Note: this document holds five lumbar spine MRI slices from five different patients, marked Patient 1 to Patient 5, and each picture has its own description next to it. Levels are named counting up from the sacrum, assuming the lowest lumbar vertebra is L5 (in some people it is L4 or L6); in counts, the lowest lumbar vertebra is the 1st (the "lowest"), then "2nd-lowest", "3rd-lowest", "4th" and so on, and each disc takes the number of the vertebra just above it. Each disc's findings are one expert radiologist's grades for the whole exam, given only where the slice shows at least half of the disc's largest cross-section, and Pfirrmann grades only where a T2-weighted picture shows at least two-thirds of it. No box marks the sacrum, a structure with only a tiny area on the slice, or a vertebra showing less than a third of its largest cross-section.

Patient 1 of 5:
Slice 30 of 36. Lumbar spine MR, T1-weighted, sagittal.
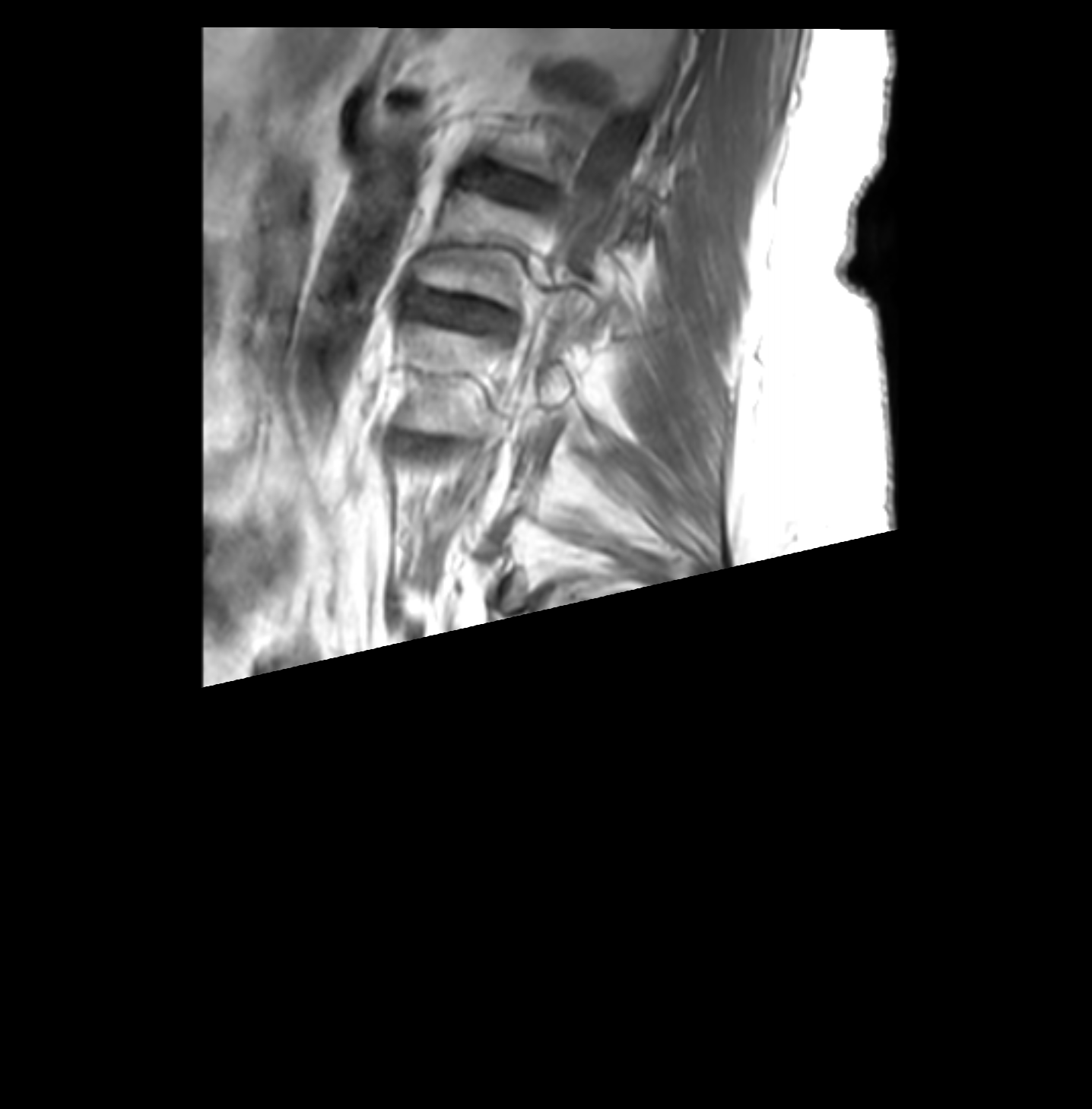 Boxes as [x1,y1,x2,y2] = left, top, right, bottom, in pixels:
3rd-lowest vertebra at [403,319,571,434], 4th disc at [409,290,497,328], 4th vertebra at [417,191,534,304], 5th disc at [478,170,528,197].

Expert MSK radiologist gradings (per disc):
• 4th disc: disc bulging, Modic type II

Patient 2 of 5:
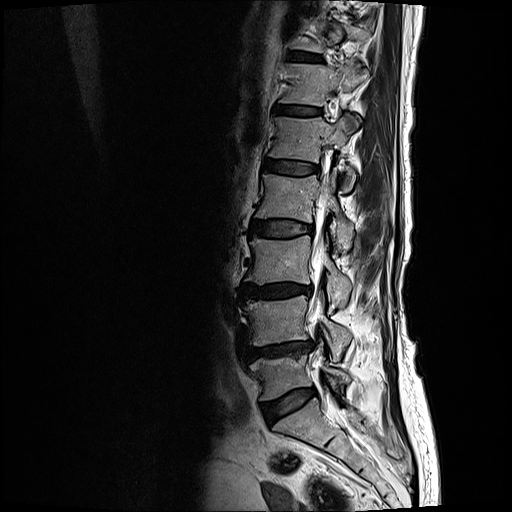
Sex F; Image 512x512; Field of view 300x300 mm, slice spacing 3.3 mm; Slice 6/17; Lumbar spine MR, T2-weighted, sagittal
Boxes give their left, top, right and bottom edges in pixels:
L4/L5: left=244, top=341, right=314, bottom=360
IVD L3/L4: left=240, top=282, right=313, bottom=298
L5: left=249, top=354, right=351, bottom=400
L1: left=268, top=116, right=356, bottom=192
IVD T12/L1: left=277, top=106, right=320, bottom=116
IVD T11/T12: left=291, top=54, right=322, bottom=61
L2: left=255, top=170, right=354, bottom=249
L5/S1: left=260, top=389, right=315, bottom=421
L3: left=245, top=235, right=353, bottom=303
IVD L2/L3: left=253, top=219, right=313, bottom=237
L1/L2: left=264, top=160, right=318, bottom=174
T12 vertebra: left=279, top=62, right=368, bottom=105
L4 vertebra: left=240, top=295, right=351, bottom=360
thecal sac / spinal canal: left=308, top=178, right=338, bottom=409

Per-level radiological findings:
• L3/L4: Pfirrmann grade 4, disc bulging, disc narrowing, lower-endplate change, upper-endplate change, Modic type II
• L5/S1: Pfirrmann grade 2, disc bulging
• L2/L3: Pfirrmann grade 3, Modic type II, disc bulging, upper-endplate change, lower-endplate change
• L4/L5: Pfirrmann grade 4, upper-endplate change, disc bulging, Modic type II, disc narrowing, lower-endplate change
• T12/L1: Pfirrmann grade 2, lower-endplate change, Modic type II, upper-endplate change
• L1/L2: Pfirrmann grade 3, lower-endplate change, Modic type II, upper-endplate change

Patient 3 of 5:
Lumbar spine MR, T2-weighted, sagittal
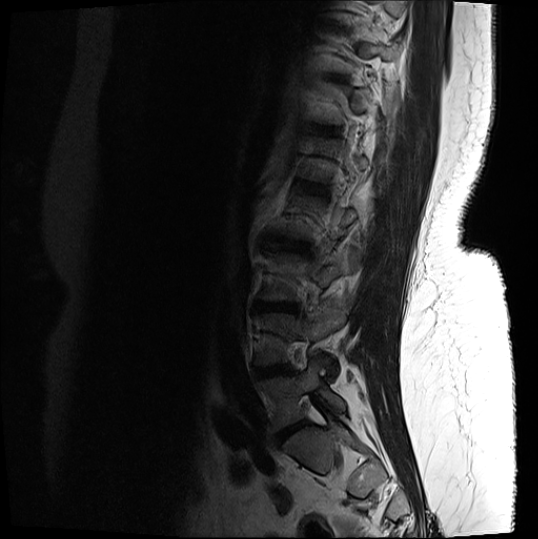

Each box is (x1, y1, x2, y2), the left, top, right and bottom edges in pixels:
4th disc at (284, 240, 307, 251), lowest disc at (277, 422, 305, 442), 2nd-lowest disc at (257, 365, 291, 377), lowest vertebra at (258, 355, 345, 430), 3rd-lowest disc at (262, 303, 297, 311), 2nd-lowest vertebra at (257, 308, 347, 365).

Patient 4 of 5:
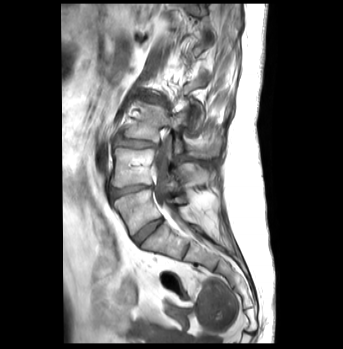

343x349 px, Patient sex: F, MRI lumbar spine (T1-weighted), sagittal plane, Slice spacing 3.2 mm
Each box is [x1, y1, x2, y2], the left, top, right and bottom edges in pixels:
L5/S1 at [133, 218, 163, 243].
L5 vertebra at [113, 190, 185, 235].
Spinal canal at [154, 138, 185, 227].
L3 at [123, 105, 221, 157].
L4 at [111, 148, 210, 187].
Disc L4/L5 at [109, 185, 151, 200].
Disc L2/L3 at [135, 94, 168, 106].
Disc L3/L4 at [114, 133, 156, 148].

Per-level radiological findings:
  L2/L3: Modic type II, disc bulging, disc narrowing, lower-endplate change
  L4/L5: lower-endplate change, disc bulging, disc narrowing, Modic type II
  L3/L4: Modic type II, disc bulging
  L5/S1: no herniation, bulging, narrowing, spondylolisthesis, endplate or Modic change recorded

Patient 5 of 5:
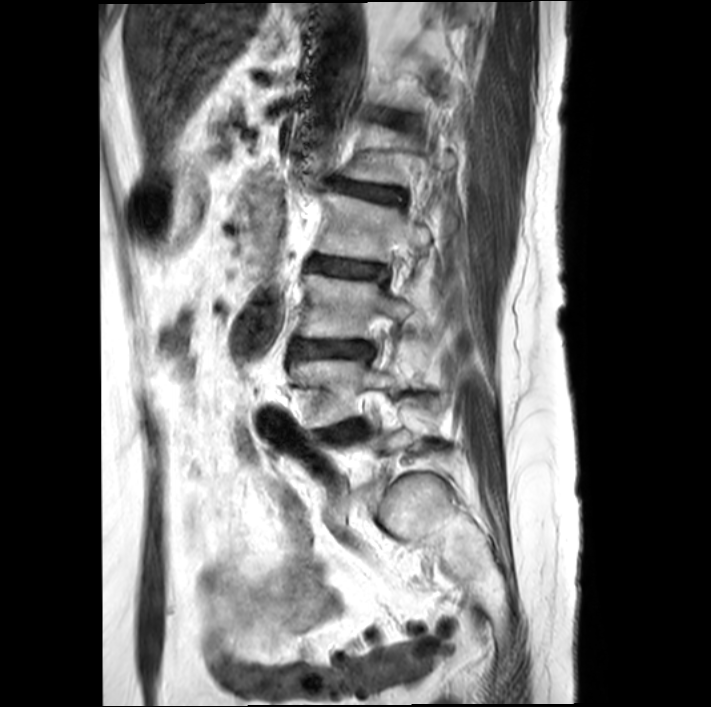 Lumbar spine MR, T2-weighted, sagittal | Field of view 310x308 mm, slice spacing 4.4 mm
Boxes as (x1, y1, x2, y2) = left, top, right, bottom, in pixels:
3rd-lowest vertebra — (300, 274, 413, 337).
3rd-lowest disc — (290, 341, 373, 358).
6th disc — (380, 115, 399, 123).
2nd-lowest disc — (321, 421, 360, 438).
2nd-lowest vertebra — (290, 359, 400, 427).
5th disc — (329, 180, 405, 203).
4th disc — (308, 256, 387, 278).
4th vertebra — (317, 191, 429, 262).

Degenerative findings by level:
• 4th disc: Pfirrmann grade 3, upper-endplate change, Modic type II
• 5th disc: Pfirrmann grade 3, Modic type II, lower-endplate change
• 3rd-lowest disc: Pfirrmann grade 3, Modic type II, upper-endplate change, lower-endplate change, disc bulging